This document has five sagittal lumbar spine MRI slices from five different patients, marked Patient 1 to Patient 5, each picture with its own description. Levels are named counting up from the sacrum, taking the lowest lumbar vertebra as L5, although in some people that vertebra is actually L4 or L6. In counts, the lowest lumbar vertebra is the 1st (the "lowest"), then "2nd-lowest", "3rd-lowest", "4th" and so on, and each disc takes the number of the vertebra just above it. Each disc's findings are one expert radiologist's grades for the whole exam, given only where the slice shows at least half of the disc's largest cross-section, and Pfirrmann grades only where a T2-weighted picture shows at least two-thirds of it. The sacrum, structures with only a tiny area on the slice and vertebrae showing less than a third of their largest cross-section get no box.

Patient 1 of 5:
Scanner: Philips Healthcare Ingenia (3T). Slice 15 of 28. MRI lumbar spine (T2-weighted), sagittal plane.
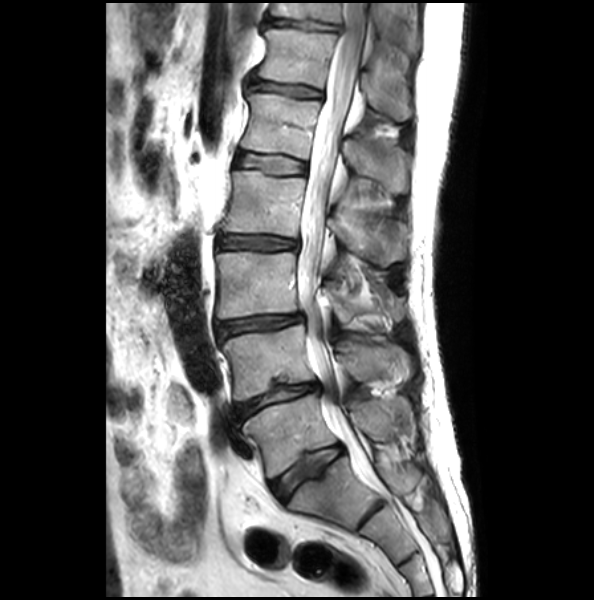
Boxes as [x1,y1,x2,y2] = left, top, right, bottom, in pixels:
IVD L5/S1: [270,445,342,501]
T12: [255,29,411,121]
T11/T12: [266,19,340,32]
L5 vertebra: [243,394,414,478]
T12/L1: [252,81,320,98]
IVD L3/L4: [216,314,303,338]
L4: [220,324,411,401]
IVD L4/L5: [233,383,319,421]
T11: [272,3,419,51]
IVD L2/L3: [219,236,297,250]
L2 vertebra: [223,171,406,266]
L1/L2: [236,153,305,174]
spinal canal: [296,3,370,477]
L3 vertebra: [216,253,403,325]
L1: [241,94,407,193]

Degenerative findings by level:
• L1/L2: Pfirrmann grade 1, upper-endplate change
• L3/L4: Pfirrmann grade 2, disc bulging, disc narrowing
• L4/L5: Pfirrmann grade 2, disc narrowing, lower-endplate change, disc bulging
• L2/L3: Pfirrmann grade 2, disc narrowing, disc bulging
• T12/L1: Pfirrmann grade 2, upper-endplate change, disc bulging
• T11/T12: Pfirrmann grade 1, lower-endplate change, upper-endplate change, disc bulging
• L5/S1: Pfirrmann grade 1, upper-endplate change, lower-endplate change

Patient 2 of 5:
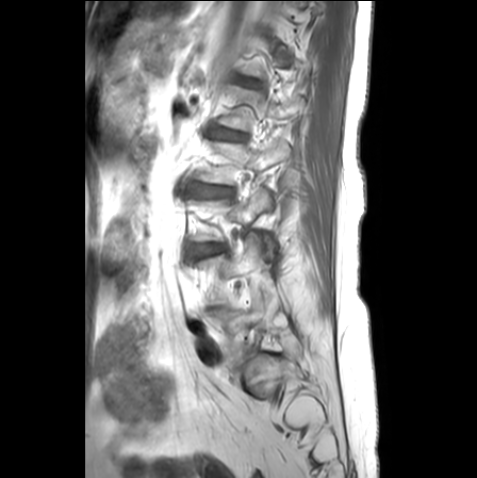

T1-weighted sagittal MRI of the lumbar spine, Patient sex: F
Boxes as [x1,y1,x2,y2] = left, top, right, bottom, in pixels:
Lowest vertebra = [211,307,261,351].
6th disc = [235,76,257,84].
3rd-lowest vertebra = [185,189,276,256].
3rd-lowest disc = [193,244,225,256].
4th vertebra = [197,141,290,184].
4th disc = [193,184,231,196].
2nd-lowest vertebra = [198,233,264,303].
5th vertebra = [219,86,304,130].
5th disc = [213,128,245,140].

Expert MSK radiologist gradings (per disc):
• 4th disc: disc bulging, upper-endplate change, lower-endplate change
• 5th disc: lower-endplate change, upper-endplate change

Patient 3 of 5:
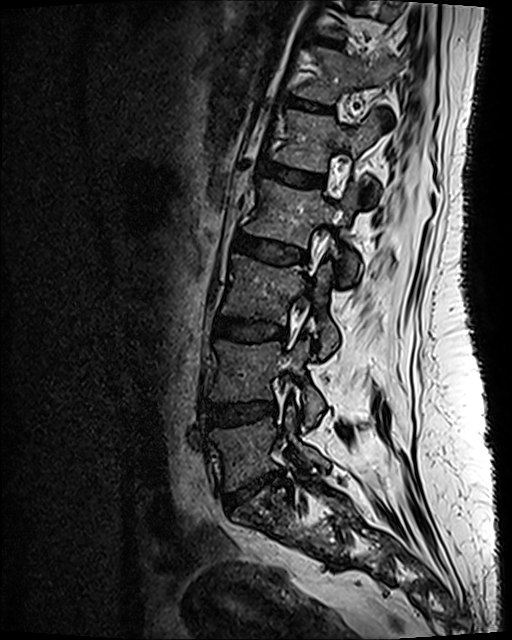

Slice 76 of 120. MRI lumbar spine (T2 SPACE (3D)), sagittal plane.
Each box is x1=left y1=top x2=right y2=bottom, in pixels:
Segmented structures:
- L3 (3rd-lowest vertebra): x1=222 y1=255 x2=337 y2=357
- T12 (6th vertebra): x1=295 y1=47 x2=399 y2=103
- L4/L5 (2nd-lowest disc): x1=208 y1=402 x2=275 y2=424
- disc L1/L2 (5th disc): x1=259 y1=162 x2=324 y2=187
- T11/T12 (7th disc): x1=314 y1=37 x2=341 y2=46
- T12/L1 (6th disc): x1=290 y1=98 x2=332 y2=113
- L1 (5th vertebra): x1=273 y1=111 x2=379 y2=187
- L3/L4 (3rd-lowest disc): x1=214 y1=317 x2=286 y2=340
- L5 (lowest vertebra): x1=210 y1=407 x2=329 y2=490
- L4 (2nd-lowest vertebra): x1=210 y1=341 x2=323 y2=425
- L2 (4th vertebra): x1=245 y1=180 x2=359 y2=278
- disc L2/L3 (4th disc): x1=234 y1=234 x2=301 y2=263
- disc L5/S1 (lowest disc): x1=238 y1=472 x2=282 y2=497

Expert MSK radiologist gradings (per disc):
• L4/L5 (2nd-lowest disc): disc bulging
• L3/L4 (3rd-lowest disc): Pfirrmann grade 3
• L1/L2 (5th disc): Pfirrmann grade 2
• L2/L3 (4th disc): Pfirrmann grade 3, disc bulging

Patient 4 of 5:
Field of view 240x300 mm, slice spacing 0.9 mm; MRI lumbar spine (T2 SPACE (3D)), sagittal plane
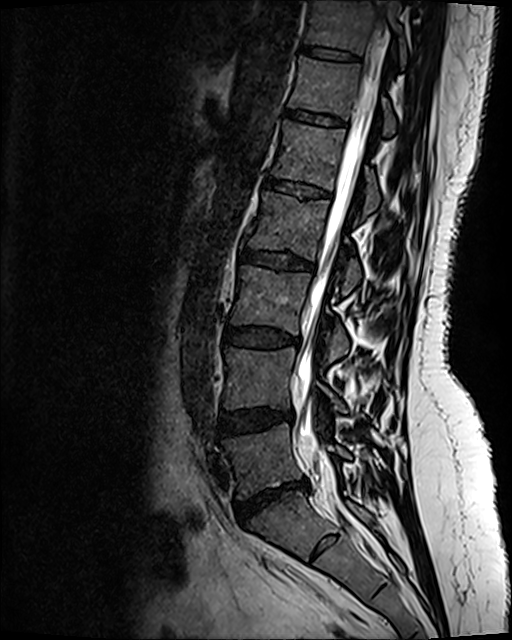 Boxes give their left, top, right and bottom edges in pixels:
IVD L2/L3: left=241, top=251, right=314, bottom=271
L2: left=243, top=192, right=361, bottom=293
L3 vertebra: left=231, top=265, right=348, bottom=360
L1: left=272, top=122, right=379, bottom=214
T12 vertebra: left=289, top=57, right=395, bottom=135
IVD L3/L4: left=225, top=330, right=300, bottom=347
T12/L1: left=285, top=112, right=345, bottom=128
L5 vertebra: left=223, top=425, right=350, bottom=499
T11: left=306, top=1, right=406, bottom=66
IVD T11/T12: left=302, top=48, right=359, bottom=64
spinal canal: left=298, top=0, right=387, bottom=472
IVD L1/L2: left=265, top=180, right=329, bottom=197
L4/L5: left=219, top=410, right=292, bottom=437
L5/S1: left=236, top=483, right=307, bottom=525
L4: left=225, top=348, right=345, bottom=411

Per-level radiological findings:
  L4/L5: Pfirrmann grade 2, disc bulging
  L3/L4: Pfirrmann grade 2, disc bulging
  T12/L1: Pfirrmann grade 2, lower-endplate change, upper-endplate change
  T11/T12: Pfirrmann grade 2
  L1/L2: Pfirrmann grade 2, lower-endplate change, upper-endplate change
  L2/L3: Pfirrmann grade 4, upper-endplate change, disc bulging, lower-endplate change
  L5/S1: Pfirrmann grade 1, disc narrowing, disc bulging, disc herniation

Patient 5 of 5:
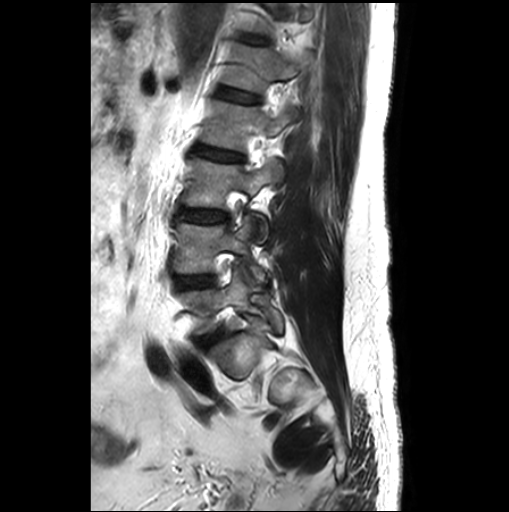 T2-weighted sagittal MRI of the lumbar spine | Slice 19/26 | 509x512 px | Patient sex: M

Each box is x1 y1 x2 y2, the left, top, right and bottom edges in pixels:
Structures:
- 3rd-lowest disc: 179 208 227 222
- lowest vertebra: 178 268 282 335
- 2nd-lowest disc: 175 276 211 288
- 6th disc: 240 34 266 43
- lowest disc: 198 331 220 348
- 4th disc: 196 145 242 160
- 3rd-lowest vertebra: 182 158 283 244
- 5th disc: 218 87 258 103
- 2nd-lowest vertebra: 174 215 265 283
- 4th vertebra: 202 100 297 150
- 5th vertebra: 223 43 312 92

Expert MSK radiologist gradings (per disc):
  4th disc: disc bulging, lower-endplate change, upper-endplate change
  5th disc: lower-endplate change, upper-endplate change
  3rd-lowest disc: no Modic or endplate change, herniation, narrowing, bulging or spondylolisthesis recorded